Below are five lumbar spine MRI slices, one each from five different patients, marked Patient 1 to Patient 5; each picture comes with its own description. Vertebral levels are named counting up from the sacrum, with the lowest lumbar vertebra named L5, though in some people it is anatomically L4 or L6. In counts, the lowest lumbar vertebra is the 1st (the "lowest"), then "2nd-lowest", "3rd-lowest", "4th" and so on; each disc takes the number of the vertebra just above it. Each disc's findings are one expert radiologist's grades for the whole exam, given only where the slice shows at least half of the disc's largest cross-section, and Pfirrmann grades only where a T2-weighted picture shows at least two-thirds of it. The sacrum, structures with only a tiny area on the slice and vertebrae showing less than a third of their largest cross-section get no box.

Patient 1 of 5:
Slice 5/18, T1-weighted sagittal MRI of the lumbar spine, Slice spacing 4.7 mm

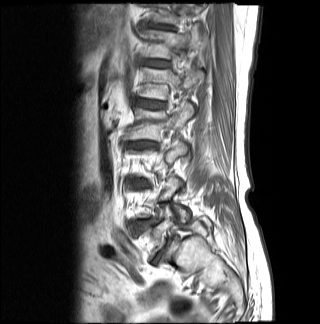
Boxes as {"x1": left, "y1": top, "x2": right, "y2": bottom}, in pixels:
5th disc — {"x1": 136, "y1": 99, "x2": 165, "y2": 108}.
5th vertebra — {"x1": 140, "y1": 66, "x2": 204, "y2": 99}.
7th disc — {"x1": 141, "y1": 23, "x2": 173, "y2": 30}.
6th disc — {"x1": 143, "y1": 59, "x2": 169, "y2": 67}.
Lowest vertebra — {"x1": 142, "y1": 208, "x2": 212, "y2": 246}.
7th vertebra — {"x1": 148, "y1": 4, "x2": 203, "y2": 23}.
4th disc — {"x1": 130, "y1": 140, "x2": 153, "y2": 148}.
6th vertebra — {"x1": 143, "y1": 26, "x2": 206, "y2": 58}.
4th vertebra — {"x1": 124, "y1": 101, "x2": 194, "y2": 141}.

Radiological gradings:
- 5th disc: lower-endplate change, disc bulging
- 4th disc: disc narrowing, disc bulging, Modic type II
- 7th disc: disc narrowing, disc bulging
- 6th disc: no herniation, bulging, narrowing, spondylolisthesis, endplate or Modic change recorded

Patient 2 of 5:
512x640 px, Lumbar spine MR, T2 SPACE (3D), sagittal, Sagittal slice index 50, Field of view 240x300 mm, slice spacing 0.9 mm
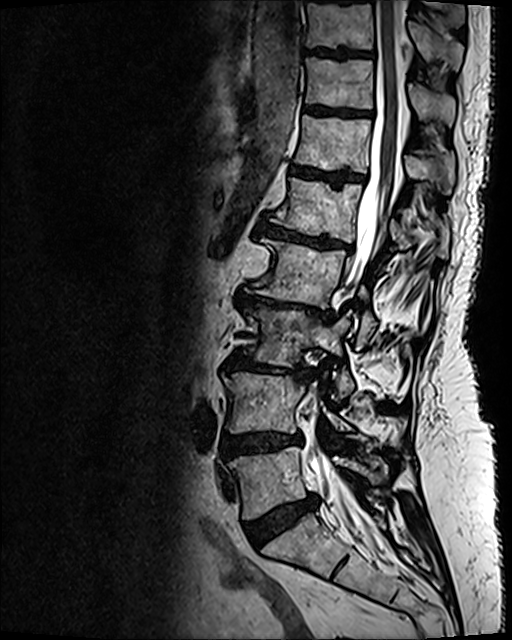
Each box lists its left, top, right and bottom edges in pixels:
Annotations:
• L2/L3 at left=236, top=291, right=333, bottom=322
• L5/S1 at left=245, top=495, right=317, bottom=545
• IVD L3/L4 at left=226, top=353, right=306, bottom=377
• L1 at left=272, top=178, right=449, bottom=257
• L3 vertebra at left=246, top=307, right=353, bottom=396
• L5 at left=229, top=446, right=388, bottom=519
• T11/T12 at left=306, top=107, right=371, bottom=116
• IVD L4/L5 at left=222, top=433, right=301, bottom=458
• T12 vertebra at left=295, top=115, right=454, bottom=194
• T10 vertebra at left=306, top=0, right=462, bottom=65
• IVD T10/T11 at left=307, top=49, right=371, bottom=56
• thecal sac / spinal canal at left=308, top=0, right=399, bottom=546
• T11 vertebra at left=305, top=58, right=454, bottom=125
• IVD L1/L2 at left=261, top=223, right=349, bottom=249
• IVD T12/L1 at left=291, top=168, right=363, bottom=185
• L4 vertebra at left=223, top=372, right=350, bottom=433
• L2 at left=261, top=238, right=376, bottom=346

Degenerative findings by level:
  L3/L4: Modic type II, lower-endplate change, disc narrowing, disc bulging, upper-endplate change
  L5/S1: Pfirrmann grade 4, disc bulging
  T10/T11: Pfirrmann grade 4, lower-endplate change, upper-endplate change
  L2/L3: Pfirrmann grade 5, lower-endplate change, upper-endplate change, Modic type II, disc bulging, disc narrowing
  T12/L1: Pfirrmann grade 4, upper-endplate change, Modic type II, lower-endplate change
  L4/L5: Pfirrmann grade 4, upper-endplate change, lower-endplate change, disc bulging
  T11/T12: Pfirrmann grade 4, lower-endplate change, upper-endplate change
  L1/L2: Pfirrmann grade 5, lower-endplate change, upper-endplate change, Modic type II, disc bulging, disc narrowing

Patient 3 of 5:
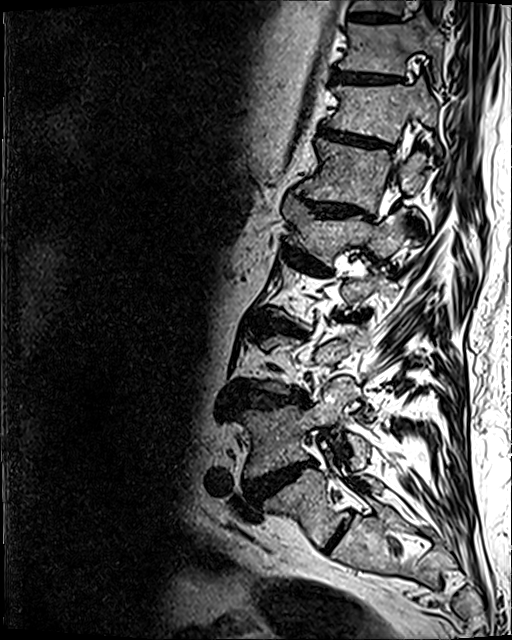 Patient sex: M, MRI lumbar spine (T2 SPACE (3D)), sagittal plane

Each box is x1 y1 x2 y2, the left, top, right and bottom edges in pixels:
Lowest vertebra: 264 465 382 547.
Lowest disc: 323 519 349 552.
6th disc: 308 202 369 217.
Spinal canal: 383 148 406 202.
5th vertebra: 282 196 404 257.
7th disc: 319 127 391 149.
7th vertebra: 325 81 439 155.
2nd-lowest disc: 247 461 312 500.
4th disc: 257 315 302 333.
2nd-lowest vertebra: 241 378 368 477.
8th vertebra: 338 13 442 87.
6th vertebra: 297 138 429 226.
3rd-lowest disc: 238 384 308 408.
9th disc: 348 13 395 21.
8th disc: 331 71 402 83.
5th disc: 291 248 318 266.

Radiological gradings:
• 3rd-lowest disc: Pfirrmann grade 4, lower-endplate change, disc bulging, disc narrowing, upper-endplate change
• 2nd-lowest disc: Pfirrmann grade 5, disc herniation, lower-endplate change, Modic type II, disc bulging, upper-endplate change, disc narrowing
• 6th disc: lower-endplate change, disc bulging, disc narrowing, upper-endplate change
• 7th disc: lower-endplate change, disc bulging, disc narrowing, upper-endplate change
• 9th disc: lower-endplate change
• 8th disc: disc bulging, upper-endplate change, lower-endplate change

Patient 4 of 5:
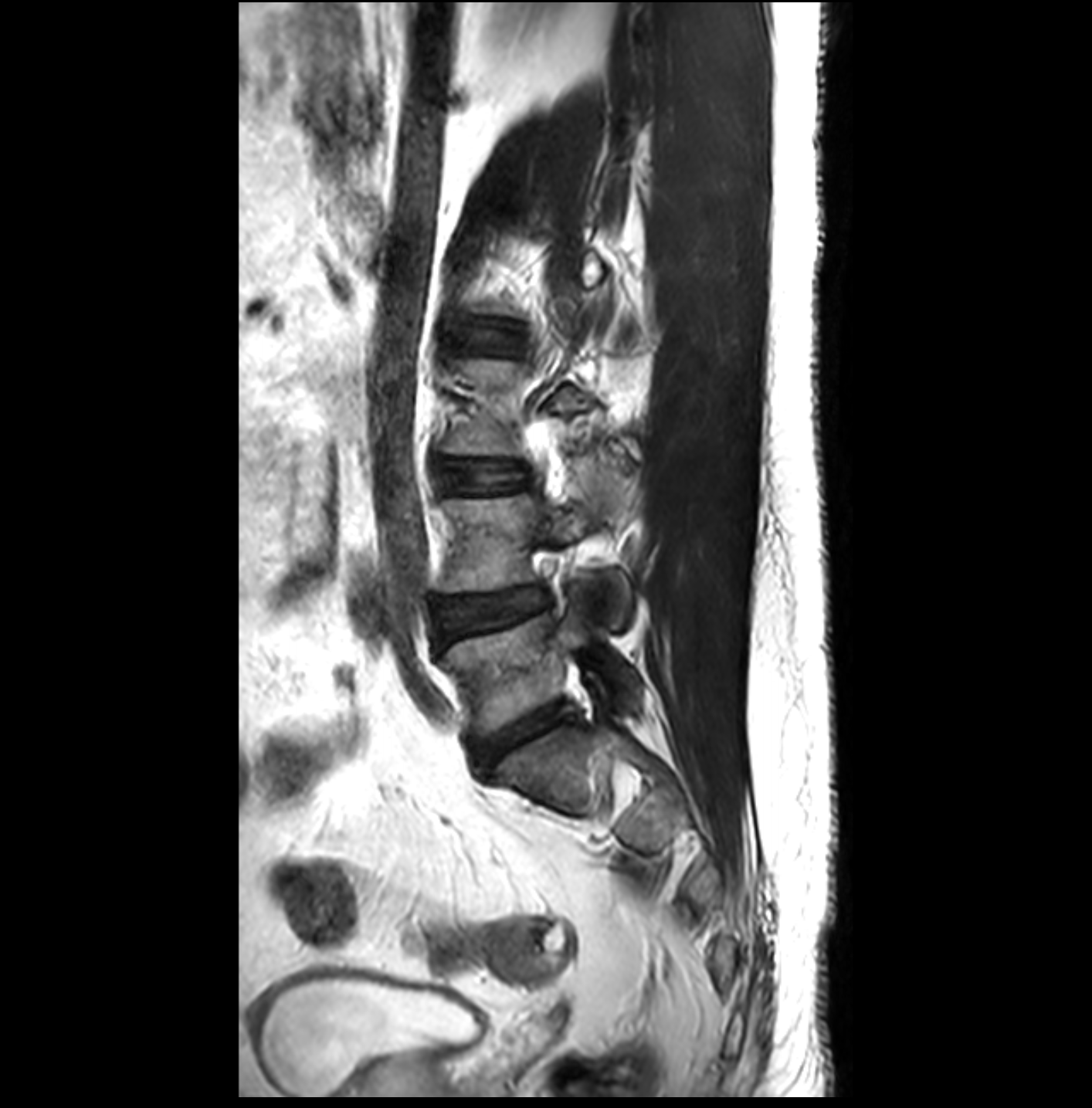

Slice 12 of 32; T2-weighted sagittal MRI of the lumbar spine; Field of view 320x325 mm; 1092x1108 px; Sex M

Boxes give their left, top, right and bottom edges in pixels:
Segmented structures:
• IVD L4/L5 (2nd-lowest disc) — left=439, top=586, right=548, bottom=640
• IVD L5/S1 (lowest disc) — left=473, top=703, right=571, bottom=770
• L4 (2nd-lowest vertebra) — left=442, top=483, right=632, bottom=627
• IVD L3/L4 (3rd-lowest disc) — left=442, top=463, right=531, bottom=491
• L5 (lowest vertebra) — left=443, top=604, right=644, bottom=737
• L2/L3 (4th disc) — left=508, top=329, right=520, bottom=347

Expert MSK radiologist gradings (per disc):
• L4/L5 (2nd-lowest disc): Pfirrmann grade 3, disc herniation
• L5/S1 (lowest disc): Pfirrmann grade 3
• L3/L4 (3rd-lowest disc): no herniation, bulging, narrowing, spondylolisthesis, endplate or Modic change recorded

Patient 5 of 5:
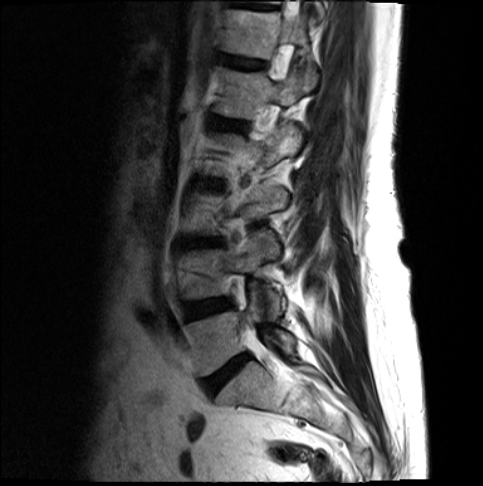 MRI lumbar spine (T2-weighted), sagittal plane.
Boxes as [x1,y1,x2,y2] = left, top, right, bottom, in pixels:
Segmented structures:
* L4/L5: [181,299,231,320]
* L1: [211,65,301,118]
* L2: [205,123,299,175]
* L5: [182,293,293,376]
* intervertebral disc L3/L4: [195,239,214,245]
* T12 vertebra: [220,9,316,91]
* L5/S1: [204,354,249,394]
* L4: [181,233,278,318]
* T12/L1: [220,54,263,68]
* L1/L2: [207,116,245,131]

Degenerative findings by level:
• L1/L2: disc bulging
• L5/S1: disc bulging
• T12/L1: Pfirrmann grade 3
• L4/L5: disc bulging